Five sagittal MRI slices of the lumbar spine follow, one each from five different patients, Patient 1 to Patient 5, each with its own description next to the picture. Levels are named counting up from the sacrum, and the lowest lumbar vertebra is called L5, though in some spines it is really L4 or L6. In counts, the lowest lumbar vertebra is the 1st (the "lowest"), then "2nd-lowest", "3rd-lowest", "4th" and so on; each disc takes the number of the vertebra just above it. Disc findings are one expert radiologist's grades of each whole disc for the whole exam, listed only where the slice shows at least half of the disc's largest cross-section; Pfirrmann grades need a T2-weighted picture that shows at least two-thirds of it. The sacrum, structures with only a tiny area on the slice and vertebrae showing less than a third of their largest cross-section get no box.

Patient 1 of 5:
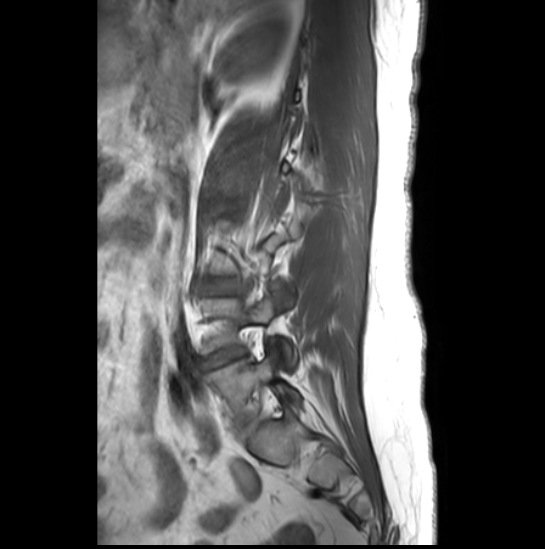
Sagittal T1-weighted lumbar spine MRI. Field of view 280x282 mm.

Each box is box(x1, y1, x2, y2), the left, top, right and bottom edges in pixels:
• 3rd-lowest disc at box(198, 283, 236, 294)
• 2nd-lowest vertebra at box(201, 292, 295, 367)
• lowest vertebra at box(207, 353, 302, 419)
• 2nd-lowest disc at box(199, 347, 245, 367)

Patient 2 of 5:
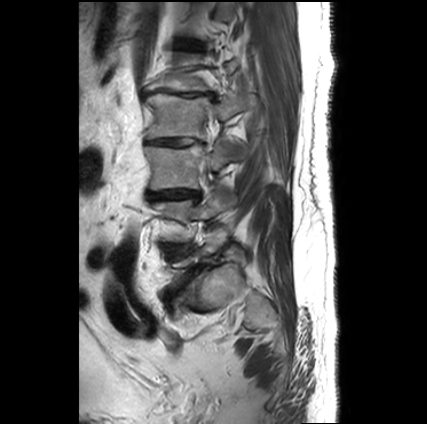

Sagittal T2-weighted lumbar spine MRI

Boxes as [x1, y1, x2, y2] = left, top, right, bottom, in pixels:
2nd-lowest vertebra: [152, 186, 229, 241]
3rd-lowest vertebra: [144, 144, 228, 190]
5th disc: [142, 89, 213, 98]
4th disc: [145, 138, 203, 146]
3rd-lowest disc: [149, 189, 198, 200]
4th vertebra: [142, 91, 252, 156]
2nd-lowest disc: [165, 244, 185, 253]
lowest disc: [188, 264, 203, 278]

Per-level radiological findings:
  4th disc: Pfirrmann grade 5, disc narrowing, Modic type II, upper-endplate change, lower-endplate change, disc bulging
  3rd-lowest disc: Pfirrmann grade 5, upper-endplate change, disc narrowing, disc bulging, Modic type II, lower-endplate change
  5th disc: Pfirrmann grade 5, disc bulging, lower-endplate change, Modic type II, upper-endplate change, disc narrowing, disc herniation

Patient 3 of 5:
Sagittal T2-weighted lumbar spine MRI. Scanner: SIEMENS Avanto_fit (1.5T). Sagittal slice index 3.

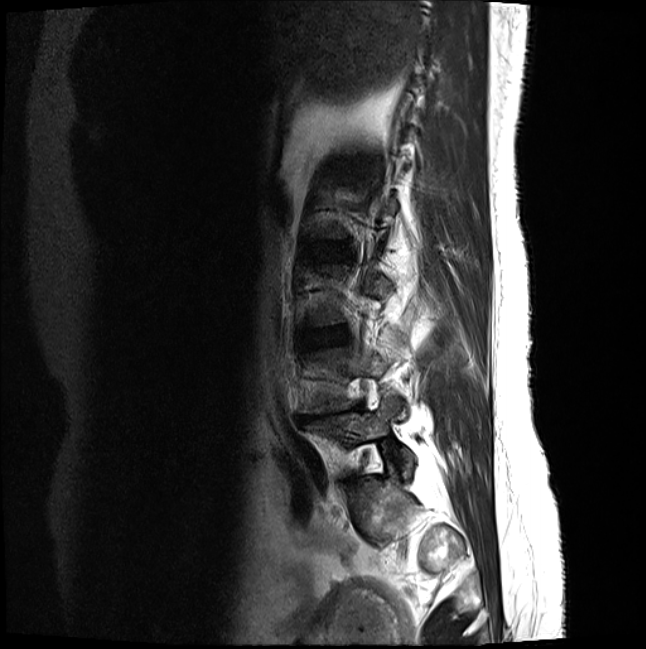
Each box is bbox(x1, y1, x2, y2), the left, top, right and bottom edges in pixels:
L5 at bbox(305, 393, 414, 476); L4 vertebra at bbox(301, 347, 389, 413); L4/L5 at bbox(300, 403, 363, 419); L3/L4 at bbox(309, 326, 347, 346).

Patient 4 of 5:
T1-weighted sagittal MRI of the lumbar spine; Patient sex: F
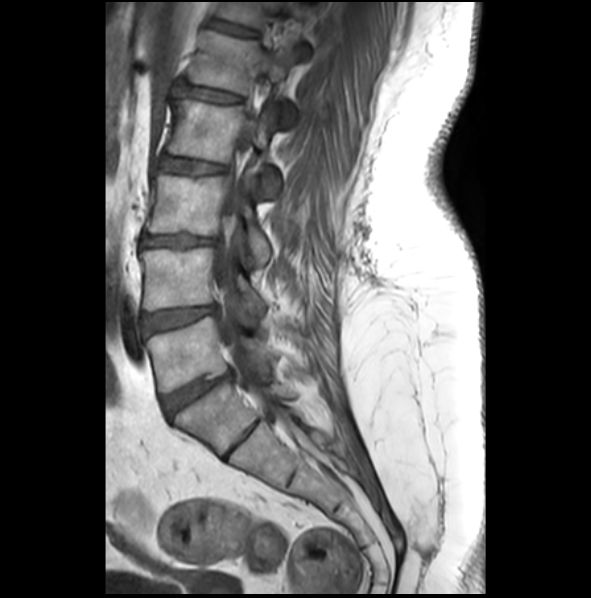

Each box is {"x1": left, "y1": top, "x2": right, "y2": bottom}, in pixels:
L3 at {"x1": 146, "y1": 172, "x2": 271, "y2": 264}, L5 vertebra at {"x1": 148, "y1": 316, "x2": 274, "y2": 391}, IVD L2/L3 at {"x1": 162, "y1": 156, "x2": 222, "y2": 173}, T12 vertebra at {"x1": 218, "y1": 2, "x2": 309, "y2": 58}, L5/S1 at {"x1": 164, "y1": 369, "x2": 234, "y2": 416}, L4 vertebra at {"x1": 139, "y1": 247, "x2": 266, "y2": 312}, IVD T12/L1 at {"x1": 210, "y1": 20, "x2": 254, "y2": 36}, L1/L2 at {"x1": 183, "y1": 85, "x2": 239, "y2": 102}, L1 at {"x1": 191, "y1": 31, "x2": 295, "y2": 126}, IVD L4/L5 at {"x1": 143, "y1": 306, "x2": 214, "y2": 333}, thecal sac / spinal canal at {"x1": 212, "y1": 119, "x2": 293, "y2": 430}, L2 at {"x1": 169, "y1": 99, "x2": 279, "y2": 199}, L3/L4 at {"x1": 141, "y1": 234, "x2": 213, "y2": 245}.

Per-level radiological findings:
• L5/S1: disc bulging, lower-endplate change, upper-endplate change
• L3/L4: Modic type II, upper-endplate change, disc bulging, lower-endplate change, disc narrowing
• L4/L5: disc bulging
• L2/L3, L1/L2, T12/L1: no herniation, bulging, narrowing, spondylolisthesis, endplate or Modic change recorded

Patient 5 of 5:
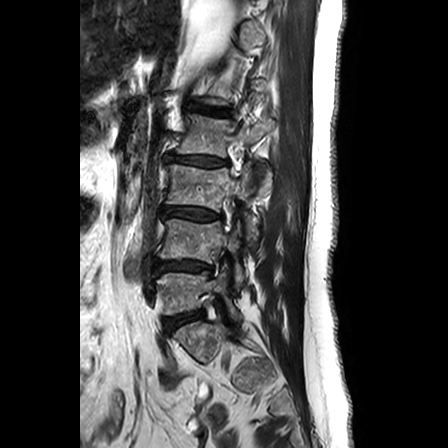

MRI lumbar spine (T2-weighted), sagittal plane. Sex F.

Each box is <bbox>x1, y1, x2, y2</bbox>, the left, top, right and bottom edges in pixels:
Structures:
• intervertebral disc L2/L3 (4th disc) — <bbox>168, 154, 226, 166</bbox>
• L3/L4 (3rd-lowest disc) — <bbox>163, 206, 221, 220</bbox>
• L1/L2 (5th disc) — <bbox>196, 106, 229, 115</bbox>
• intervertebral disc L4/L5 (2nd-lowest disc) — <bbox>156, 261, 210, 272</bbox>
• L3 (3rd-lowest vertebra) — <bbox>167, 164, 257, 238</bbox>
• L2 (4th vertebra) — <bbox>177, 114, 274, 157</bbox>
• L4 (2nd-lowest vertebra) — <bbox>160, 219, 245, 284</bbox>
• L5 (lowest vertebra) — <bbox>157, 264, 240, 319</bbox>
• intervertebral disc L5/S1 (lowest disc) — <bbox>164, 309, 204, 329</bbox>

Expert MSK radiologist gradings (per disc):
- L3/L4 (3rd-lowest disc): Pfirrmann grade 3, Modic type II, upper-endplate change, disc narrowing, lower-endplate change, disc bulging
- L4/L5 (2nd-lowest disc): Pfirrmann grade 3, disc bulging, Modic type II, lower-endplate change, upper-endplate change
- L1/L2 (5th disc): disc narrowing, disc bulging
- L2/L3 (4th disc): Pfirrmann grade 3, disc bulging, lower-endplate change, disc narrowing, upper-endplate change, Modic type II